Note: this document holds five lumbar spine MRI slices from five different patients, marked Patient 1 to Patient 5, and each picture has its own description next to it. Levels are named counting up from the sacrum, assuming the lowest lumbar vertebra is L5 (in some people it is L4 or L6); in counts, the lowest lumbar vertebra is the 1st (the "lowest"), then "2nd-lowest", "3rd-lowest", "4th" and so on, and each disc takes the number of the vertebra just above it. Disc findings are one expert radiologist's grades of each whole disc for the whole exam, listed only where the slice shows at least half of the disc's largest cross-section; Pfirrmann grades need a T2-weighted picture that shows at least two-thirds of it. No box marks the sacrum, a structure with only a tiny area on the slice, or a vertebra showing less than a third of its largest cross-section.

Patient 1 of 5:
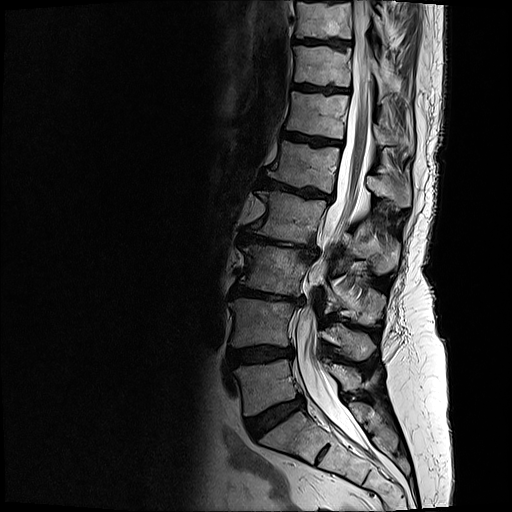 Sex F, Sagittal slice index 9, Lumbar spine MR, T2-weighted, sagittal, Image 512x512
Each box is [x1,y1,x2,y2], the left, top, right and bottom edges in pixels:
L1: [268,141,411,206] | L5 vertebra: [234,359,359,415] | L2/L3: [239,231,316,258] | disc L5/S1: [246,395,304,438] | spinal canal: [295,0,370,448] | T11/T12: [295,85,347,92] | disc L4/L5: [227,346,293,366] | L2: [253,191,399,274] | T11 vertebra: [294,46,391,97] | L3 vertebra: [240,245,383,325] | T10/T11: [297,39,348,46] | L1/L2: [260,178,331,200] | T12: [286,91,413,153] | L4 vertebra: [229,298,374,360] | disc L3/L4: [230,286,303,304] | T12/L1: [282,132,341,145] | T10: [296,0,385,44]

Degenerative findings by level:
- T12/L1: Pfirrmann grade 4, Modic type II, lower-endplate change, upper-endplate change
- T10/T11: Pfirrmann grade 4, upper-endplate change, lower-endplate change
- L4/L5: Pfirrmann grade 4, lower-endplate change, upper-endplate change, disc bulging
- L3/L4: lower-endplate change, disc bulging, Modic type II, upper-endplate change, disc narrowing
- L5/S1: Pfirrmann grade 4, disc bulging
- L1/L2: Pfirrmann grade 5, upper-endplate change, Modic type II, lower-endplate change, disc narrowing, disc bulging
- L2/L3: Pfirrmann grade 5, Modic type II, upper-endplate change, lower-endplate change, disc narrowing, disc bulging
- T11/T12: Pfirrmann grade 4, upper-endplate change, lower-endplate change

Patient 2 of 5:
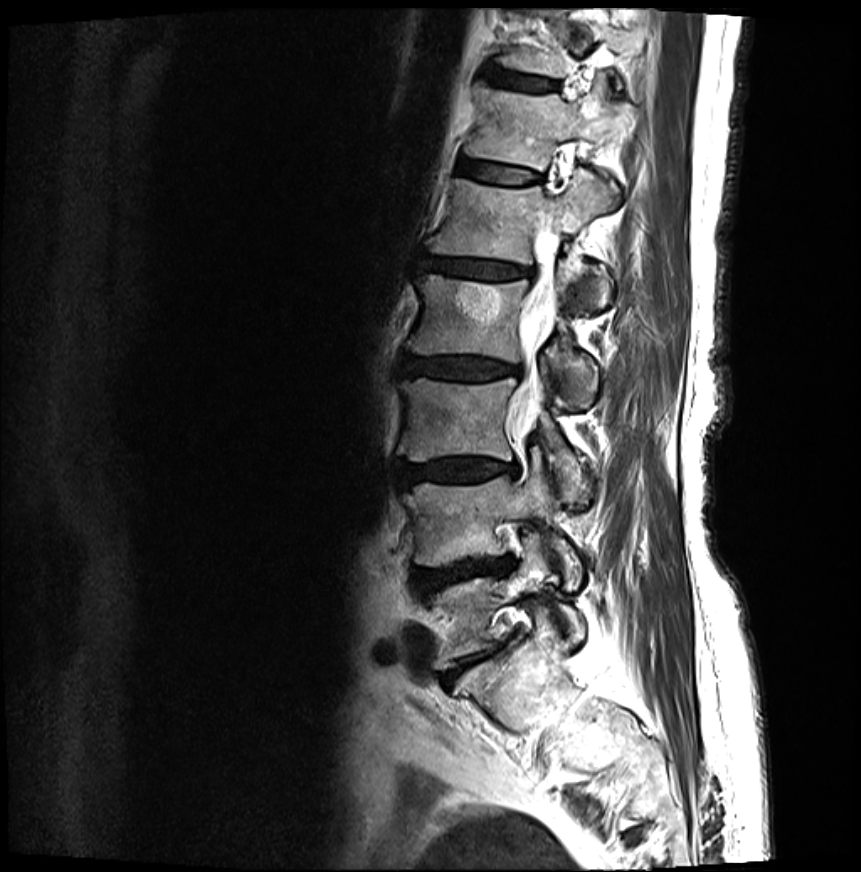 Slice 19/27 | Lumbar spine MR, T2-weighted, sagittal | Sex F

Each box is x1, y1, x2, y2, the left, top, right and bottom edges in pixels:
L2/L3 (4th disc) at 402, 357, 519, 380; L2 (4th vertebra) at 407, 271, 598, 408; L3 (3rd-lowest vertebra) at 397, 378, 589, 503; thecal sac / spinal canal at 516, 218, 556, 430; intervertebral disc T12/L1 (6th disc) at 459, 162, 539, 184; L1/L2 (5th disc) at 420, 257, 529, 279; L5 (lowest vertebra) at 427, 533, 584, 668; T12 (6th vertebra) at 466, 81, 633, 170; T11/T12 (7th disc) at 486, 71, 556, 93; L1 (5th vertebra) at 427, 169, 618, 308; L3/L4 (3rd-lowest disc) at 398, 459, 517, 486; L4 (2nd-lowest vertebra) at 404, 454, 581, 588; intervertebral disc L4/L5 (2nd-lowest disc) at 414, 557, 513, 592; intervertebral disc L5/S1 (lowest disc) at 444, 646, 500, 684.

Degenerative findings by level:
  L2/L3 (4th disc): Pfirrmann grade 4, disc narrowing, lower-endplate change, upper-endplate change, disc bulging, Modic type II
  L1/L2 (5th disc): Pfirrmann grade 4, disc bulging, lower-endplate change, upper-endplate change, Modic type II, disc narrowing
  L3/L4 (3rd-lowest disc): Pfirrmann grade 4, Modic type II, disc narrowing, disc bulging, lower-endplate change, upper-endplate change
  L4/L5 (2nd-lowest disc): Modic type II, lower-endplate change, disc bulging, disc herniation, disc narrowing, upper-endplate change
  T12/L1 (6th disc): Pfirrmann grade 2, upper-endplate change, lower-endplate change, Modic type II
  T11/T12 (7th disc): lower-endplate change, upper-endplate change, Modic type II

Patient 3 of 5:
Image 512x640. MRI lumbar spine (T2 SPACE (3D)), sagittal plane.

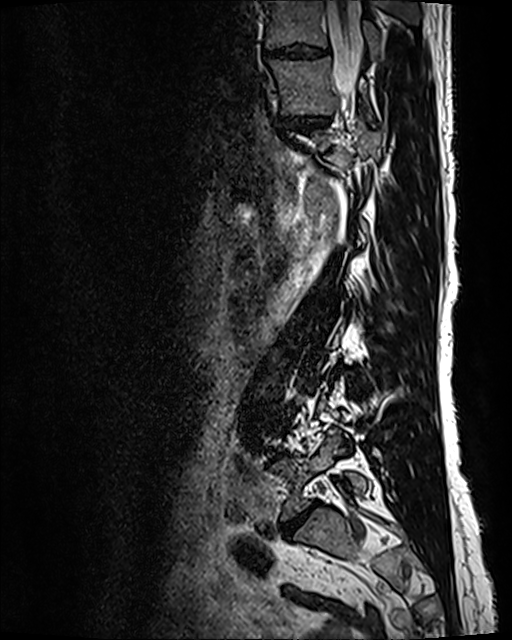
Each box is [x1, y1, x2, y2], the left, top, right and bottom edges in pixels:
L5 vertebra: [273, 431, 367, 519].
T10: [265, 0, 381, 54].
Spinal canal: [327, 1, 361, 99].
L5/S1: [283, 503, 317, 534].
Intervertebral disc T11/T12: [283, 115, 331, 128].
T11: [270, 58, 370, 115].
Intervertebral disc T10/T11: [264, 44, 326, 59].

Per-level radiological findings:
• T11/T12: disc bulging, disc narrowing
• T10/T11: Pfirrmann grade 3, disc narrowing, disc bulging

Patient 4 of 5:
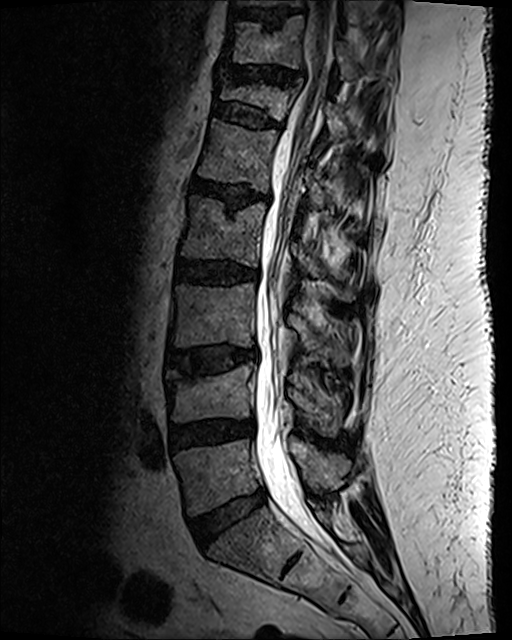 Patient sex: M, T2 SPACE (3D) sagittal MRI of the lumbar spine, 512x640 px, Field of view 240x300 mm
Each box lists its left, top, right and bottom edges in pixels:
T11: left=225, top=16, right=396, bottom=81
L1 vertebra: left=198, top=120, right=327, bottom=209
L5: left=175, top=437, right=349, bottom=515
L4/L5: left=171, top=421, right=252, bottom=447
IVD L5/S1: left=190, top=489, right=267, bottom=546
IVD L1/L2: left=191, top=180, right=255, bottom=211
T10/T11: left=234, top=10, right=299, bottom=21
L3/L4: left=167, top=348, right=256, bottom=374
IVD L2/L3: left=177, top=260, right=258, bottom=286
L3: left=172, top=284, right=347, bottom=367
L4 vertebra: left=165, top=365, right=342, bottom=436
IVD T11/T12: left=226, top=67, right=300, bottom=84
T12/L1: left=213, top=103, right=281, bottom=130
L2 vertebra: left=182, top=198, right=353, bottom=299
spinal canal: left=254, top=1, right=336, bottom=545
T12: left=221, top=85, right=382, bottom=151

Radiological gradings:
- T12/L1: Pfirrmann grade 2, disc bulging, spondylolisthesis, lower-endplate change, upper-endplate change
- L1/L2: Pfirrmann grade 3, lower-endplate change, disc narrowing, Modic type II, disc bulging, upper-endplate change
- T11/T12: Pfirrmann grade 2, disc narrowing, disc bulging, upper-endplate change, lower-endplate change
- L2/L3: Pfirrmann grade 3, disc bulging, lower-endplate change
- L4/L5: Pfirrmann grade 3, disc narrowing, disc bulging
- L3/L4: Pfirrmann grade 3, lower-endplate change, disc bulging, upper-endplate change, Modic type II
- L5/S1: Pfirrmann grade 2, disc bulging

Patient 5 of 5:
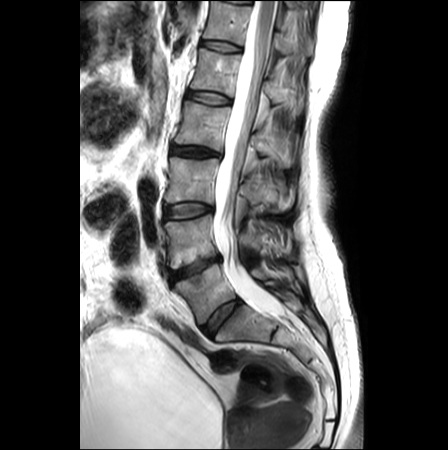
T2-weighted sagittal MRI of the lumbar spine; Sex F
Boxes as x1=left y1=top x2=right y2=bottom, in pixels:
L1 at x1=191 y1=48 x2=303 y2=113, L2/L3 at x1=172 y1=146 x2=219 y2=156, L3/L4 at x1=165 y1=203 x2=211 y2=218, L5 vertebra at x1=175 y1=264 x2=289 y2=324, L1/L2 at x1=187 y1=92 x2=230 y2=104, L5/S1 at x1=202 y1=300 x2=241 y2=335, L3 vertebra at x1=165 y1=157 x2=290 y2=212, L4 at x1=164 y1=215 x2=284 y2=268, T12 at x1=203 y1=1 x2=312 y2=55, L2 at x1=175 y1=100 x2=293 y2=166, thecal sac / spinal canal at x1=213 y1=1 x2=280 y2=315, L4/L5 at x1=170 y1=257 x2=219 y2=281, disc T12/L1 at x1=201 y1=40 x2=240 y2=51.

Per-level radiological findings:
- L2/L3: Pfirrmann grade 3, disc bulging
- L3/L4: Pfirrmann grade 1, disc bulging
- L4/L5: Pfirrmann grade 4, upper-endplate change, disc narrowing, disc herniation, lower-endplate change, Modic type II
- L5/S1: Pfirrmann grade 2
- T12/L1: Pfirrmann grade 1
- L1/L2: Pfirrmann grade 1